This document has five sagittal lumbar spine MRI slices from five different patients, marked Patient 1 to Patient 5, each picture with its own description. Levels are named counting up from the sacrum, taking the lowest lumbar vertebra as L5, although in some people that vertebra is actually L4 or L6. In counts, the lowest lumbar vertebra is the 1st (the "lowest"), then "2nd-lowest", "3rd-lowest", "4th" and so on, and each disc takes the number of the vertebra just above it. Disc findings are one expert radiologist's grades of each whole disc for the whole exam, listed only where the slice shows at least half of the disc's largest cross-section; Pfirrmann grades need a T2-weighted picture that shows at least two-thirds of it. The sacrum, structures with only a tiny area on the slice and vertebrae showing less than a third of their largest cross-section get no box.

Patient 1 of 5:
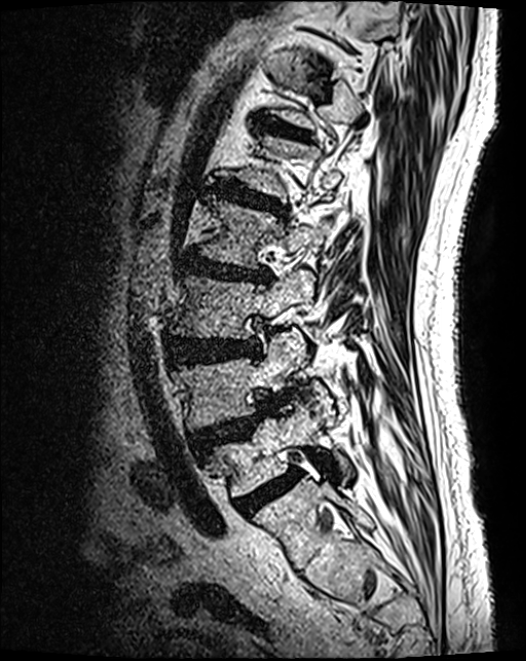 Slice 40 of 124; MRI lumbar spine (T2 SPACE (3D)), sagittal plane; Sex M

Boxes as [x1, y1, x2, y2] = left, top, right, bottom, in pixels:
Structures:
• L1/L2 (5th disc): [215, 183, 285, 214]
• L3 (3rd-lowest vertebra): [169, 270, 314, 341]
• intervertebral disc L4/L5 (2nd-lowest disc): [191, 405, 270, 453]
• intervertebral disc L3/L4 (3rd-lowest disc): [168, 340, 259, 364]
• L2/L3 (4th disc): [182, 256, 268, 284]
• L5 (lowest vertebra): [209, 408, 345, 497]
• L2 (4th vertebra): [199, 199, 330, 270]
• T12/L1 (6th disc): [265, 122, 306, 139]
• L5/S1 (lowest disc): [236, 471, 299, 515]
• L4 (2nd-lowest vertebra): [173, 344, 298, 431]

Expert MSK radiologist gradings (per disc):
• L2/L3 (4th disc): Pfirrmann grade 4, disc narrowing, upper-endplate change, lower-endplate change, disc bulging
• L4/L5 (2nd-lowest disc): Pfirrmann grade 4, disc herniation, upper-endplate change, spondylolisthesis
• L5/S1 (lowest disc): Pfirrmann grade 4
• L3/L4 (3rd-lowest disc): Pfirrmann grade 4, disc bulging
• L1/L2 (5th disc): Pfirrmann grade 4, disc bulging, lower-endplate change, upper-endplate change

Patient 2 of 5:
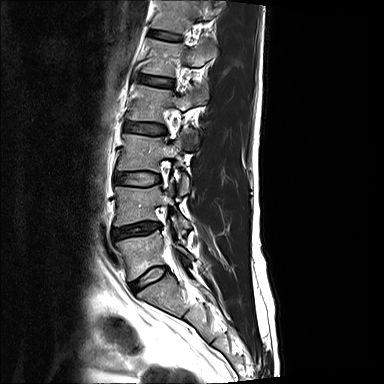 Slice spacing 4.8 mm. Image 384x384. Sagittal T2-weighted lumbar spine MRI.
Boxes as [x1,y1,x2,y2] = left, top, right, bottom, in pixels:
L1/L2 — [138,75,173,87] | intervertebral disc L2/L3 — [124,122,165,135] | intervertebral disc L3/L4 — [114,172,159,185] | T12 — [153,0,213,32] | L3 — [117,134,189,192] | L5 vertebra — [116,231,193,280] | L1 — [142,38,215,76] | T12/L1 — [150,30,182,41] | L4 — [114,186,189,231] | L2 — [127,83,207,121] | intervertebral disc L5/S1 — [130,267,166,291] | L4/L5 — [113,223,160,238]

Per-level radiological findings:
- L4/L5: Pfirrmann grade 4, disc herniation, disc narrowing
- L3/L4: Pfirrmann grade 2
- L5/S1: Pfirrmann grade 2, disc bulging
- L2/L3: Pfirrmann grade 2
- T12/L1, L1/L2: no Modic or endplate change, herniation, narrowing, bulging or spondylolisthesis recorded

Patient 3 of 5:
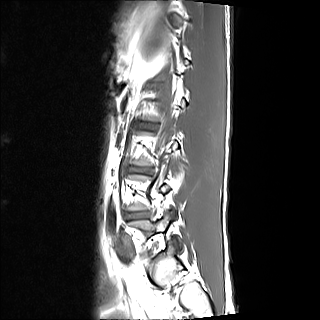
MRI lumbar spine (T1-weighted), sagittal plane | Slice 13 of 15

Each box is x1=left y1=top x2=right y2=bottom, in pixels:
Lowest vertebra = x1=128 y1=212 x2=181 y2=249.
2nd-lowest disc = x1=127 y1=213 x2=148 y2=218.

Patient 4 of 5:
Slice 15/17; T1-weighted sagittal MRI of the lumbar spine
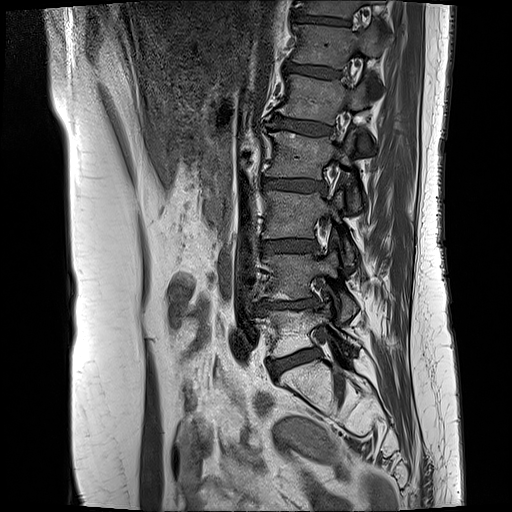

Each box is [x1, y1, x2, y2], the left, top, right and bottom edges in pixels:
L1/L2 (5th disc) at [267, 114, 330, 133], L3/L4 (3rd-lowest disc) at [260, 239, 317, 253], L1 (5th vertebra) at [279, 74, 371, 123], L5 (lowest vertebra) at [257, 305, 358, 357], L2 (4th vertebra) at [269, 130, 361, 209], T12 (6th vertebra) at [295, 26, 392, 66], IVD T12/L1 (6th disc) at [286, 63, 340, 76], T11 (7th vertebra) at [306, 0, 385, 17], IVD T11/T12 (7th disc) at [295, 13, 350, 25], IVD L4/L5 (2nd-lowest disc) at [251, 296, 318, 313], L5/S1 (lowest disc) at [269, 348, 320, 377], L4 (2nd-lowest vertebra) at [257, 250, 355, 319], L3 (3rd-lowest vertebra) at [265, 190, 354, 264], L2/L3 (4th disc) at [264, 178, 326, 191].

Degenerative findings by level:
• L2/L3 (4th disc): Modic type II, disc bulging
• L3/L4 (3rd-lowest disc): Modic type II, disc bulging
• L1/L2 (5th disc): Modic type II
• T11/T12 (7th disc): lower-endplate change, upper-endplate change, Modic type II
• L5/S1 (lowest disc): disc bulging, Modic type II
• L4/L5 (2nd-lowest disc): lower-endplate change, disc narrowing, Modic type II, upper-endplate change, disc bulging
• T12/L1 (6th disc): Modic type II

Patient 5 of 5:
Sagittal T2-weighted lumbar spine MRI.

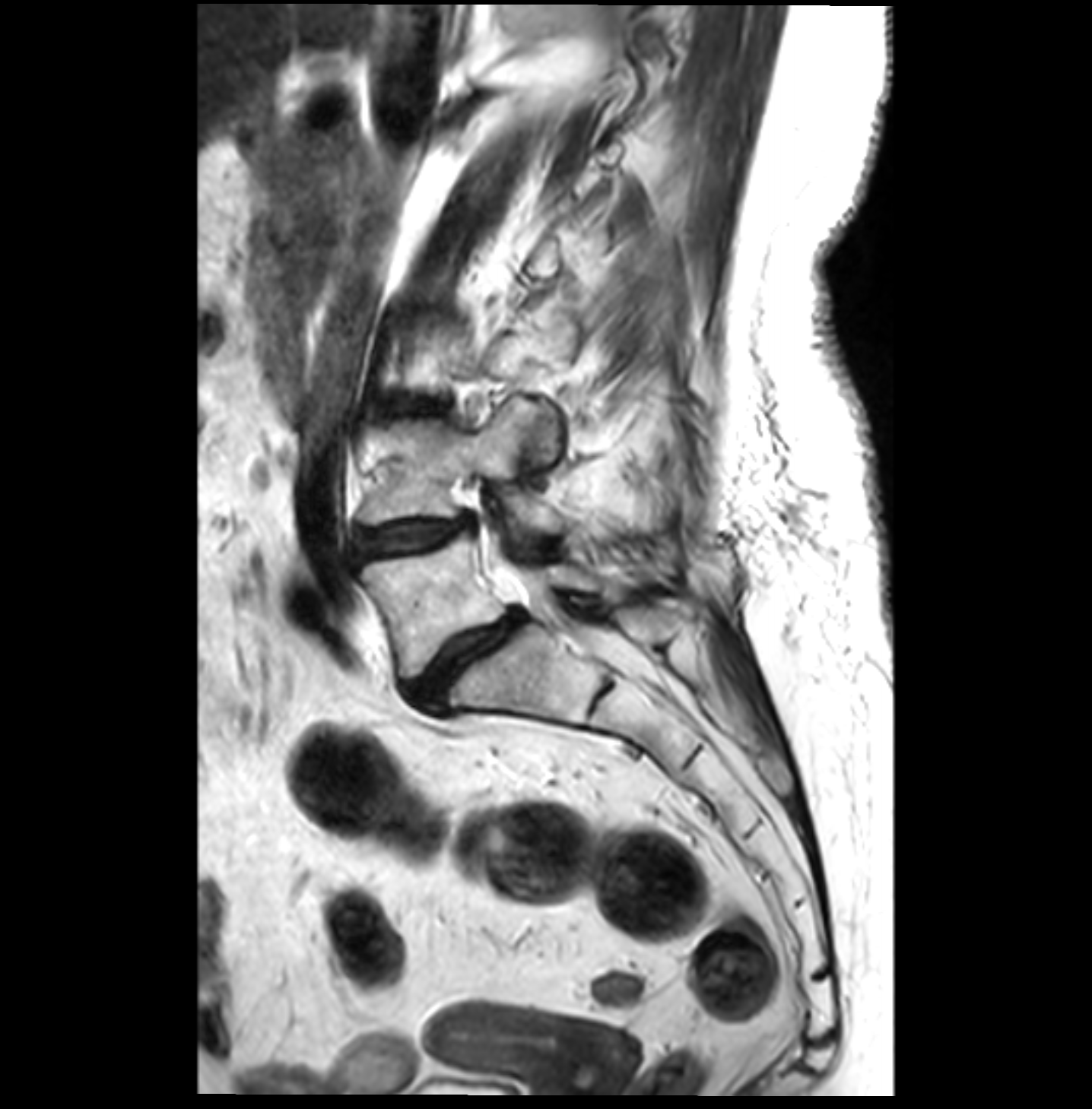
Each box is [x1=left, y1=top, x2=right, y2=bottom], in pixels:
L4 at [x1=362, y1=398, x2=563, y2=540], L5 vertebra at [x1=364, y1=532, x2=597, y2=675], IVD L5/S1 at [x1=411, y1=611, x2=524, y2=705], spinal canal at [x1=529, y1=579, x2=662, y2=686], L4/L5 at [x1=360, y1=518, x2=469, y2=555].

Degenerative findings by level:
  L4/L5: Pfirrmann grade 3, disc bulging, Modic type II, disc narrowing
  L5/S1: Pfirrmann grade 4, Modic type II, spondylolisthesis, disc narrowing, disc bulging